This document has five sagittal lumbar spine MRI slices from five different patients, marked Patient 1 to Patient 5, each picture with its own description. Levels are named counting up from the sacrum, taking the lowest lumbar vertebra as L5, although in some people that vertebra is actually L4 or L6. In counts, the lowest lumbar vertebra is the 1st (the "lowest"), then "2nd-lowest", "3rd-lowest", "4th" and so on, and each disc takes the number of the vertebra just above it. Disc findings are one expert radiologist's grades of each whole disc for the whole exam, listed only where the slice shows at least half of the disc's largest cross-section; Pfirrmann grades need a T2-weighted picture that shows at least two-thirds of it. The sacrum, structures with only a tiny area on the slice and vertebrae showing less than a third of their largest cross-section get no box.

Patient 1 of 5:
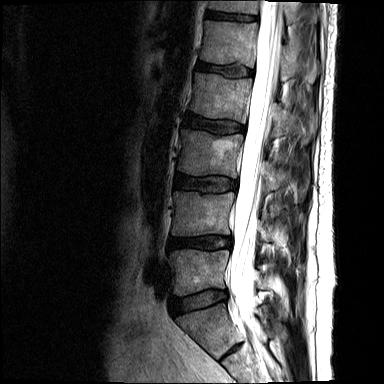 Sagittal slice index 10 | Sagittal T2-weighted lumbar spine MRI
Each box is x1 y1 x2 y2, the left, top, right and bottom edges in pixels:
{"L3/L4 (3rd-lowest disc)": "175 175 237 191", "L1 (5th vertebra)": "200 21 295 80", "L2/L3 (4th disc)": "184 114 245 133", "IVD L5/S1 (lowest disc)": "171 291 226 313", "L4 (2nd-lowest vertebra)": "172 192 271 241", "L5 (lowest vertebra)": "169 249 267 295", "T12 (6th vertebra)": "209 0 293 23", "L3 (3rd-lowest vertebra)": "177 130 279 189", "L4/L5 (2nd-lowest disc)": "169 236 231 248", "L1/L2 (5th disc)": "198 63 253 76", "L2 (4th vertebra)": "190 73 308 141", "IVD T12/L1 (6th disc)": "207 12 257 21", "thecal sac / spinal canal": "230 1 280 325"}

Radiological gradings:
  L1/L2 (5th disc): Pfirrmann grade 3, upper-endplate change
  L3/L4 (3rd-lowest disc): Pfirrmann grade 3, upper-endplate change
  L5/S1 (lowest disc): Pfirrmann grade 3, disc bulging
  T12/L1 (6th disc): Pfirrmann grade 3, lower-endplate change, upper-endplate change
  L2/L3 (4th disc): Pfirrmann grade 3, upper-endplate change
  L4/L5 (2nd-lowest disc): Pfirrmann grade 3, disc narrowing, disc herniation, disc bulging

Patient 2 of 5:
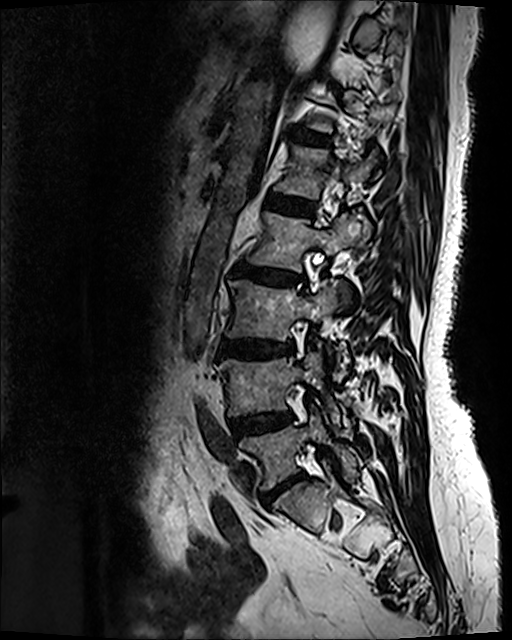
T2 SPACE (3D) sagittal MRI of the lumbar spine | Sagittal slice index 40 | Patient sex: F | Field of view 240x300 mm, slice spacing 0.9 mm | Image 512x640

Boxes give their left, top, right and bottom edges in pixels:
Structures:
* disc L5/S1: left=264, top=474, right=303, bottom=503
* L4: left=216, top=347, right=340, bottom=428
* disc L1/L2: left=267, top=194, right=314, bottom=215
* T12/L1: left=297, top=132, right=328, bottom=142
* L3: left=227, top=280, right=350, bottom=371
* disc L4/L5: left=232, top=413, right=291, bottom=438
* disc L3/L4: left=221, top=341, right=292, bottom=355
* disc L2/L3: left=233, top=266, right=303, bottom=284
* L5 vertebra: left=240, top=414, right=358, bottom=489
* L2: left=249, top=212, right=368, bottom=271
* L1: left=275, top=146, right=375, bottom=199

Degenerative findings by level:
- L3/L4: Pfirrmann grade 4, upper-endplate change, disc narrowing, lower-endplate change, disc bulging, Modic type II
- L2/L3: Pfirrmann grade 4, lower-endplate change, disc bulging, disc narrowing, upper-endplate change, Modic type II
- L4/L5: Pfirrmann grade 3, disc bulging
- L1/L2: no Modic or endplate change, herniation, narrowing, bulging or spondylolisthesis recorded

Patient 3 of 5:
Sagittal slice index 10; MRI lumbar spine (T2-weighted), sagittal plane 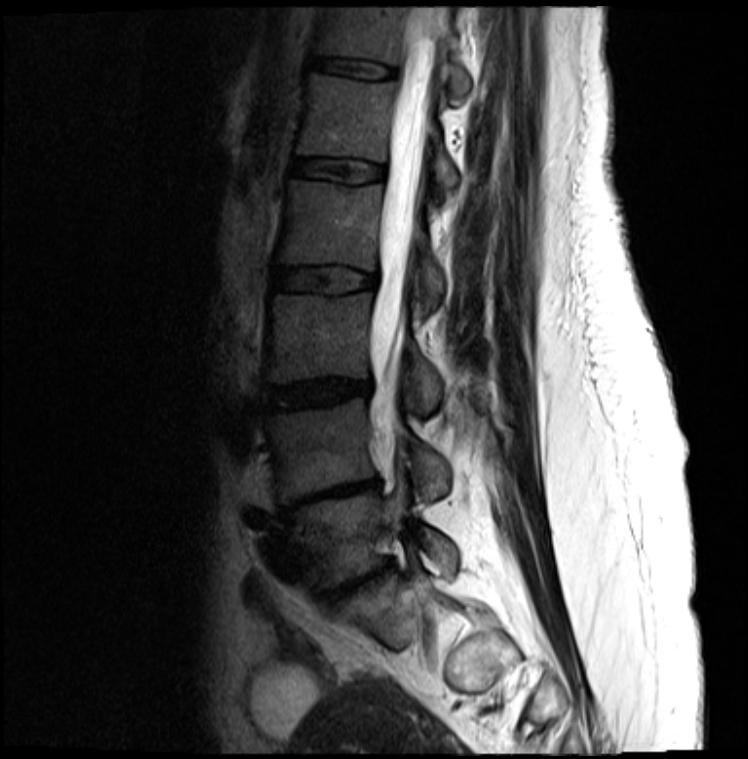 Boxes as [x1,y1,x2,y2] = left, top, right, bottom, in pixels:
L5/S1: [325,567,385,601].
L1: [296,71,459,195].
L5 vertebra: [296,485,457,586].
L4/L5: [292,479,377,508].
L1/L2: [292,158,385,183].
Disc L2/L3: [273,267,375,292].
L3/L4: [267,379,369,409].
T12 vertebra: [320,5,471,101].
T12/L1: [314,57,395,77].
L3 vertebra: [267,292,441,409].
Thecal sac / spinal canal: [370,18,436,490].
L2: [279,178,443,309].
L4: [267,398,449,503].

Per-level radiological findings:
  L2/L3: Pfirrmann grade 3, disc bulging
  L1/L2: Pfirrmann grade 3
  T12/L1: Pfirrmann grade 3
  L3/L4: Pfirrmann grade 4, disc bulging
  L4/L5: Pfirrmann grade 5, disc narrowing, disc bulging, lower-endplate change, upper-endplate change

Patient 4 of 5:
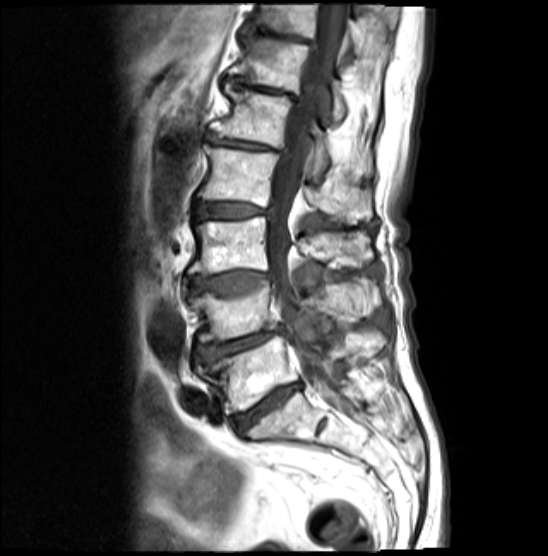
Field of view 260x264 mm. Sagittal T1-weighted lumbar spine MRI.

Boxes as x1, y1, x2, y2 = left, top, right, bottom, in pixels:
Segmented structures:
- intervertebral disc L4/L5 (2nd-lowest disc) — 195, 327, 285, 362
- L3/L4 (3rd-lowest disc) — 188, 271, 271, 295
- L5 (lowest vertebra) — 195, 333, 383, 411
- T12 (6th vertebra) — 230, 39, 345, 123
- L4 (2nd-lowest vertebra) — 190, 279, 379, 343
- L2 (4th vertebra) — 197, 146, 371, 224
- L1/L2 (5th disc) — 207, 134, 289, 154
- intervertebral disc T12/L1 (6th disc) — 228, 78, 302, 100
- intervertebral disc L5/S1 (lowest disc) — 235, 383, 301, 435
- T11 (7th vertebra) — 250, 3, 388, 55
- thecal sac / spinal canal — 267, 4, 352, 416
- L3 (3rd-lowest vertebra) — 188, 217, 373, 274
- L1 (5th vertebra) — 211, 85, 330, 180
- T11/T12 (7th disc) — 247, 31, 314, 45
- L2/L3 (4th disc) — 195, 202, 273, 220

Expert MSK radiologist gradings (per disc):
• L3/L4 (3rd-lowest disc): upper-endplate change, Modic type II, disc bulging, lower-endplate change
• T12/L1 (6th disc): lower-endplate change, Modic type II, upper-endplate change, disc narrowing, disc bulging
• L5/S1 (lowest disc): Modic type II, upper-endplate change, disc bulging, lower-endplate change, disc narrowing
• L1/L2 (5th disc): lower-endplate change, Modic type II, disc narrowing, upper-endplate change, disc bulging
• L4/L5 (2nd-lowest disc): disc narrowing, Modic type II, disc bulging, upper-endplate change, lower-endplate change
• L2/L3 (4th disc): lower-endplate change, disc narrowing, Modic type II, disc bulging, upper-endplate change

Patient 5 of 5:
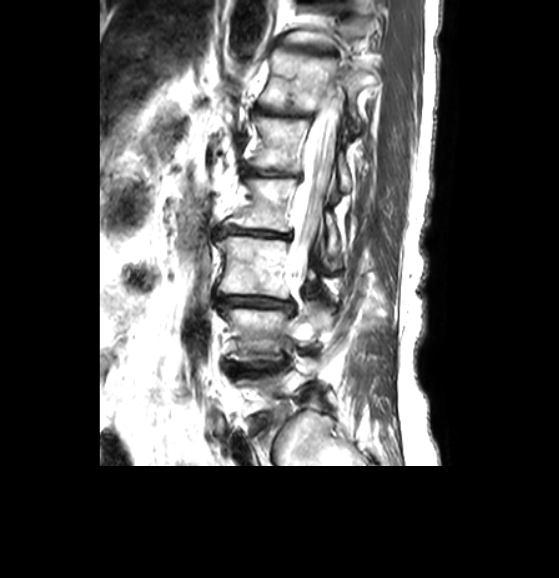 Slice spacing 3.3 mm. Lumbar spine MR, T2-weighted, sagittal. Sex F.
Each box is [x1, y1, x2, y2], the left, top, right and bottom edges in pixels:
L4 (2nd-lowest vertebra): [221, 302, 331, 362].
IVD L1/L2 (5th disc): [243, 168, 295, 175].
IVD T11/T12 (7th disc): [286, 47, 330, 54].
L1 (5th vertebra): [248, 118, 351, 190].
T12 (6th vertebra): [260, 51, 371, 132].
T11 (7th vertebra): [281, 30, 334, 48].
IVD T12/L1 (6th disc): [256, 108, 310, 118].
IVD L4/L5 (2nd-lowest disc): [227, 361, 286, 376].
Spinal canal: [287, 77, 342, 287].
L3 (3rd-lowest vertebra): [217, 236, 316, 298].
L2 (4th vertebra): [225, 177, 339, 269].
L2/L3 (4th disc): [217, 227, 291, 240].
IVD L3/L4 (3rd-lowest disc): [216, 294, 290, 307].

Degenerative findings by level:
• L3/L4 (3rd-lowest disc): Pfirrmann grade 3, disc bulging, disc narrowing
• L4/L5 (2nd-lowest disc): disc bulging
• T11/T12 (7th disc): Pfirrmann grade 4, disc narrowing